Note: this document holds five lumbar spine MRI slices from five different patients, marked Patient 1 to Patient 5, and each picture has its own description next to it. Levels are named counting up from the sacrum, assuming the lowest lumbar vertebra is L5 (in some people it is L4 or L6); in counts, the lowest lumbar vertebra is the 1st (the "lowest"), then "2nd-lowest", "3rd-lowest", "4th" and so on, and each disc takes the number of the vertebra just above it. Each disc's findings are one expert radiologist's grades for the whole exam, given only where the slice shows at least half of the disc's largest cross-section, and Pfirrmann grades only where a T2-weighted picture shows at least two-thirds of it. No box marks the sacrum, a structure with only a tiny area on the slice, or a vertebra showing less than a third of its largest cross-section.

Patient 1 of 5:
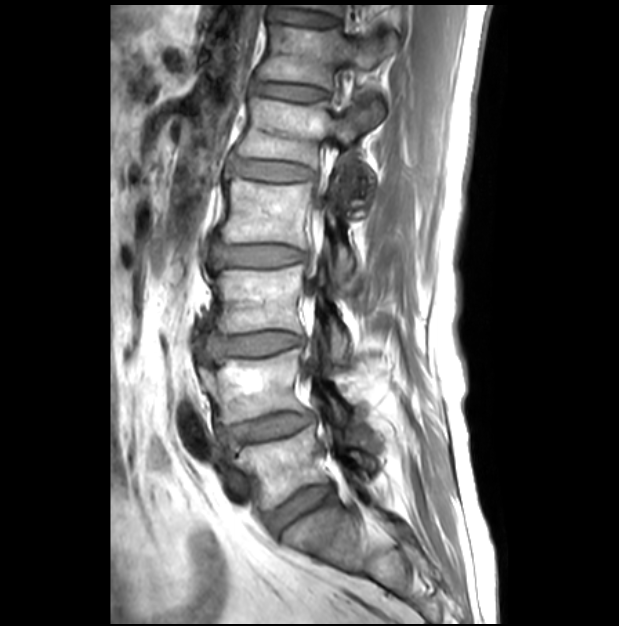 Field of view 280x283 mm. Slice 19/28. Sagittal T1-weighted lumbar spine MRI.
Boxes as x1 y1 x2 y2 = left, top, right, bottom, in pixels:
Segmented structures:
• disc T12/L1 at 253 82 326 101
• T12 vertebra at 257 25 397 88
• disc L2/L3 at 209 240 303 269
• L3 vertebra at 211 265 350 363
• disc L5/S1 at 264 483 332 532
• L1 vertebra at 236 95 384 206
• L5 vertebra at 236 409 376 508
• L2 at 220 178 354 291
• T11/T12 at 273 10 339 25
• disc L4/L5 at 222 412 312 449
• disc L3/L4 at 207 331 300 357
• L4 vertebra at 200 334 346 425
• disc L1/L2 at 225 156 312 181

Expert MSK radiologist gradings (per disc):
• L4/L5: disc bulging, disc narrowing, lower-endplate change, upper-endplate change, spondylolisthesis
• L1/L2, T12/L1, L3/L4, L5/S1, T11/T12, L2/L3: no Modic or endplate change, herniation, narrowing, bulging or spondylolisthesis recorded

Patient 2 of 5:
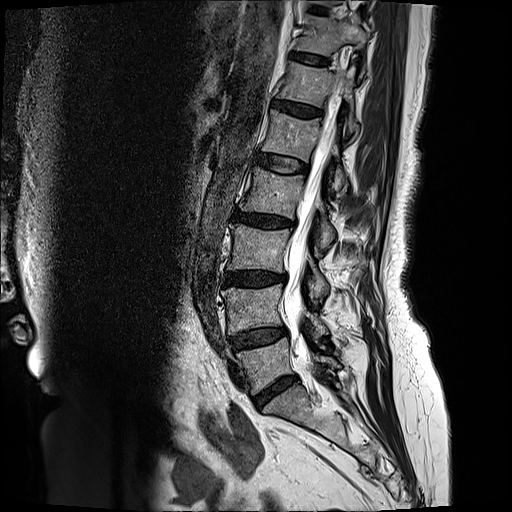 Image 512x512. T2-weighted sagittal MRI of the lumbar spine. Sagittal slice index 6.
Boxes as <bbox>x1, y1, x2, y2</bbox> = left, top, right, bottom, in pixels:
{"T11 (7th vertebra)": "<bbox>297, 18, 367, 53</bbox>", "IVD T12/L1 (6th disc)": "<bbox>273, 100, 321, 117</bbox>", "IVD L2/L3 (4th disc)": "<bbox>234, 213, 293, 227</bbox>", "T10/T11 (8th disc)": "<bbox>311, 6, 328, 13</bbox>", "spinal canal": "<bbox>283, 116, 336, 357</bbox>", "IVD L4/L5 (2nd-lowest disc)": "<bbox>231, 326, 287, 350</bbox>", "L2 (4th vertebra)": "<bbox>241, 166, 335, 247</bbox>", "IVD L3/L4 (3rd-lowest disc)": "<bbox>223, 271, 287, 284</bbox>", "L1 (5th vertebra)": "<bbox>263, 110, 346, 190</bbox>", "IVD L5/S1 (lowest disc)": "<bbox>255, 378, 294, 408</bbox>", "IVD T11/T12 (7th disc)": "<bbox>294, 51, 328, 65</bbox>", "L3 (3rd-lowest vertebra)": "<bbox>228, 225, 329, 297</bbox>", "IVD L1/L2 (5th disc)": "<bbox>254, 153, 309, 173</bbox>", "T12 (6th vertebra)": "<bbox>279, 62, 358, 133</bbox>", "L4 (2nd-lowest vertebra)": "<bbox>222, 284, 327, 337</bbox>", "L5 (lowest vertebra)": "<bbox>237, 338, 340, 393</bbox>"}

Radiological gradings:
- L1/L2 (5th disc): Pfirrmann grade 2
- L5/S1 (lowest disc): disc bulging, disc narrowing
- L2/L3 (4th disc): Pfirrmann grade 4, Modic type II, disc narrowing, lower-endplate change, upper-endplate change, disc bulging
- L3/L4 (3rd-lowest disc): Pfirrmann grade 4, upper-endplate change, lower-endplate change, disc narrowing, Modic type II, disc bulging
- T12/L1 (6th disc): Pfirrmann grade 3, disc bulging
- L4/L5 (2nd-lowest disc): Pfirrmann grade 3, disc bulging
- T11/T12 (7th disc): no spondylolisthesis, narrowing, bulging, herniation, Modic or endplate change recorded

Patient 3 of 5:
Slice 49/120, Image 512x640, MRI lumbar spine (T2 SPACE (3D)), sagittal plane, Sex F
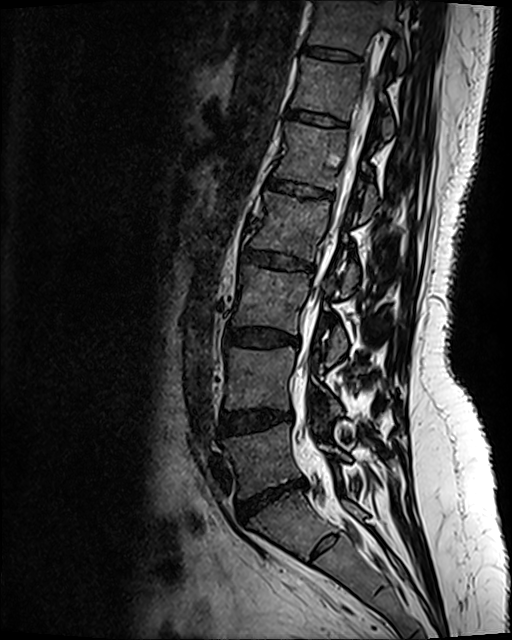
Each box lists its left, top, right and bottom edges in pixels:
Structures:
• disc T12/L1 (6th disc) at left=285, top=111, right=345, bottom=128
• L5/S1 (lowest disc) at left=237, top=482, right=305, bottom=522
• L5 (lowest vertebra) at left=224, top=425, right=350, bottom=497
• L2 (4th vertebra) at left=244, top=192, right=359, bottom=295
• thecal sac / spinal canal at left=304, top=64, right=379, bottom=431
• L4 (2nd-lowest vertebra) at left=226, top=348, right=343, bottom=414
• L4/L5 (2nd-lowest disc) at left=219, top=411, right=292, bottom=436
• L3 (3rd-lowest vertebra) at left=232, top=265, right=347, bottom=365
• disc L2/L3 (4th disc) at left=243, top=252, right=314, bottom=274
• T11 (7th vertebra) at left=309, top=2, right=406, bottom=69
• disc L3/L4 (3rd-lowest disc) at left=226, top=330, right=299, bottom=347
• L1/L2 (5th disc) at left=268, top=180, right=329, bottom=197
• T12 (6th vertebra) at left=291, top=58, right=393, bottom=139
• L1 (5th vertebra) at left=275, top=123, right=378, bottom=218
• T11/T12 (7th disc) at left=302, top=48, right=358, bottom=63

Degenerative findings by level:
• L2/L3 (4th disc): Pfirrmann grade 4, lower-endplate change, disc bulging, upper-endplate change
• L1/L2 (5th disc): Pfirrmann grade 2, lower-endplate change, upper-endplate change
• L4/L5 (2nd-lowest disc): Pfirrmann grade 2, disc bulging
• T12/L1 (6th disc): Pfirrmann grade 2, upper-endplate change, lower-endplate change
• T11/T12 (7th disc): Pfirrmann grade 2
• L3/L4 (3rd-lowest disc): Pfirrmann grade 2, disc bulging
• L5/S1 (lowest disc): Pfirrmann grade 1, disc narrowing, disc herniation, disc bulging

Patient 4 of 5:
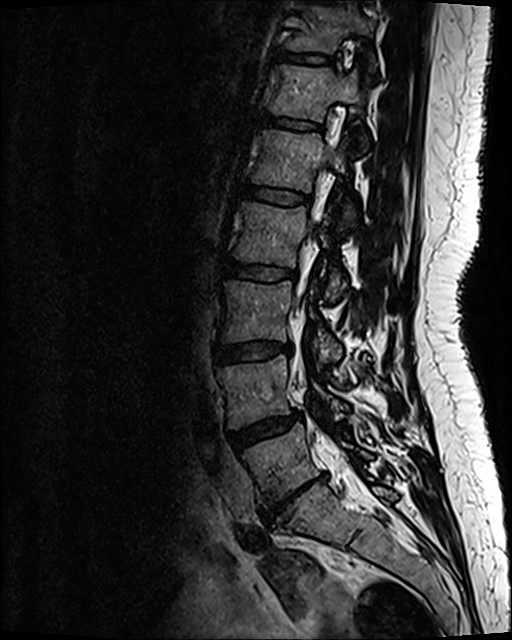 Field of view 240x300 mm. Lumbar spine MR, T2 SPACE (3D), sagittal.
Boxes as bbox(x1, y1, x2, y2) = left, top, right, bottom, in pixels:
L3/L4 — bbox(214, 342, 291, 363).
IVD T11/T12 — bbox(275, 50, 330, 63).
L2 vertebra — bbox(234, 203, 345, 299).
L5 vertebra — bbox(243, 425, 370, 506).
T12 — bbox(270, 65, 363, 120).
L1 — bbox(253, 130, 354, 220).
T11 — bbox(288, 8, 373, 52).
IVD L1/L2 — bbox(241, 184, 312, 205).
IVD T12/L1 — bbox(261, 114, 320, 130).
Spinal canal — bbox(291, 212, 342, 459).
L3 vertebra — bbox(222, 281, 340, 363).
L4 vertebra — bbox(220, 355, 346, 426).
L5/S1 — bbox(262, 473, 327, 520).
IVD L4/L5 — bbox(228, 413, 299, 448).
IVD L2/L3 — bbox(225, 259, 296, 280).

Per-level radiological findings:
- L4/L5: Pfirrmann grade 3, disc bulging
- L3/L4: Pfirrmann grade 2, disc bulging
- L2/L3: Pfirrmann grade 2
- T12/L1: Pfirrmann grade 2
- L1/L2: Pfirrmann grade 2
- T11/T12: Pfirrmann grade 2

Patient 5 of 5:
MRI lumbar spine (T1-weighted), sagittal plane. Slice 13/27. 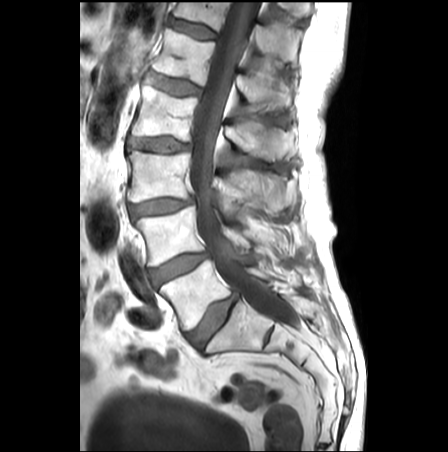
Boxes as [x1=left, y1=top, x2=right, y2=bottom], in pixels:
Segmented structures:
• L4 at [x1=134, y1=207, x2=276, y2=266]
• disc L1/L2 at [x1=145, y1=71, x2=201, y2=95]
• disc L2/L3 at [x1=126, y1=137, x2=191, y2=153]
• L5 vertebra at [x1=160, y1=260, x2=267, y2=330]
• L3/L4 at [x1=130, y1=197, x2=194, y2=215]
• disc T12/L1 at [x1=168, y1=18, x2=216, y2=38]
• L2 at [x1=132, y1=85, x2=293, y2=160]
• thecal sac / spinal canal at [x1=190, y1=2, x2=293, y2=324]
• disc L5/S1 at [x1=187, y1=293, x2=237, y2=349]
• L1 vertebra at [x1=152, y1=28, x2=289, y2=110]
• L4/L5 at [x1=150, y1=252, x2=208, y2=285]
• T12 at [x1=174, y1=2, x2=301, y2=66]
• L3 vertebra at [x1=128, y1=150, x2=295, y2=212]

Degenerative findings by level:
- L3/L4: disc bulging, disc narrowing
- L2/L3: disc bulging
- L5/S1: disc bulging
- L4/L5: disc bulging
- L1/L2: Modic type II, lower-endplate change, disc bulging, upper-endplate change
- T12/L1: no spondylolisthesis, narrowing, bulging, herniation, Modic or endplate change recorded